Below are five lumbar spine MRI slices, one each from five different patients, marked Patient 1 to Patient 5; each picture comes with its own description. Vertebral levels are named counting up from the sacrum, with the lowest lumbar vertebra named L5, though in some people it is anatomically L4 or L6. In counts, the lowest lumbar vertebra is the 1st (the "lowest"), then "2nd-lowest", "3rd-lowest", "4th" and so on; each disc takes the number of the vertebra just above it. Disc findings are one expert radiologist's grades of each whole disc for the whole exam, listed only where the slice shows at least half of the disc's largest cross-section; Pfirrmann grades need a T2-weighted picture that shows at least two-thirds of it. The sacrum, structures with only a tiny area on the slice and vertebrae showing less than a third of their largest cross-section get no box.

Patient 1 of 5:
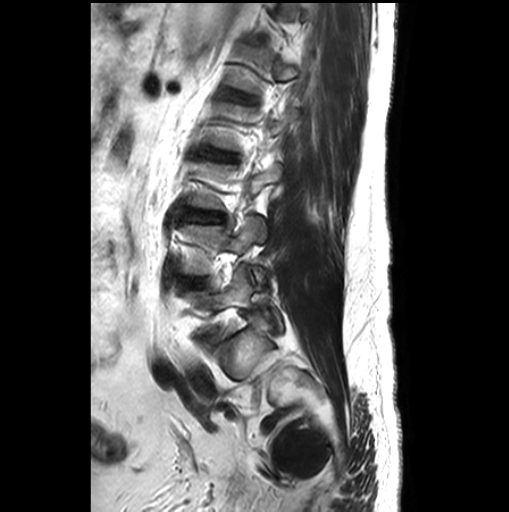 Lumbar spine MR, T2-weighted, sagittal.
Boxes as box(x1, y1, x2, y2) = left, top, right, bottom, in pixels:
2nd-lowest vertebra at box(181, 217, 265, 282); 5th disc at box(231, 91, 250, 100); 2nd-lowest disc at box(182, 278, 206, 287); lowest vertebra at box(185, 266, 281, 335); 3rd-lowest disc at box(188, 212, 219, 221).

Patient 2 of 5:
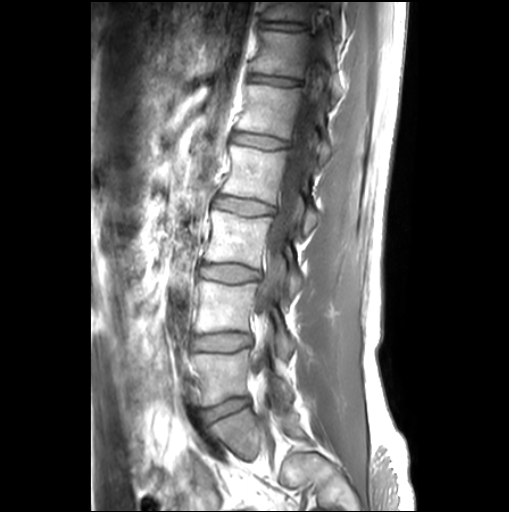 MRI lumbar spine (T1-weighted), sagittal plane | Slice spacing 3.3 mm
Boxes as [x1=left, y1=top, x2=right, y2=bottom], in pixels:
{"spinal canal": "[x1=252, y1=24, x2=328, y2=403]", "L1/L2": "[x1=234, y1=133, x2=288, y2=149]", "T12 vertebra": "[x1=251, y1=30, x2=342, y2=102]", "L3/L4": "[x1=201, y1=264, x2=258, y2=281]", "L4": "[x1=194, y1=279, x2=296, y2=362]", "intervertebral disc T11/T12": "[x1=259, y1=21, x2=307, y2=30]", "L5": "[x1=192, y1=349, x2=291, y2=405]", "intervertebral disc L2/L3": "[x1=217, y1=196, x2=272, y2=214]", "L2 vertebra": "[x1=222, y1=144, x2=319, y2=233]", "T11 vertebra": "[x1=264, y1=1, x2=340, y2=29]", "L3 vertebra": "[x1=205, y1=208, x2=303, y2=300]", "T12/L1": "[x1=249, y1=74, x2=301, y2=85]", "L1 vertebra": "[x1=237, y1=84, x2=331, y2=166]", "L5/S1": "[x1=201, y1=398, x2=248, y2=421]", "intervertebral disc L4/L5": "[x1=194, y1=333, x2=250, y2=348]"}

Expert MSK radiologist gradings (per disc):
- T11/T12: upper-endplate change, lower-endplate change
- L1/L2: Modic type II
- T12/L1: upper-endplate change, lower-endplate change
- L2/L3, L5/S1, L3/L4, L4/L5: no Modic or endplate change, herniation, narrowing, bulging or spondylolisthesis recorded

Patient 3 of 5:
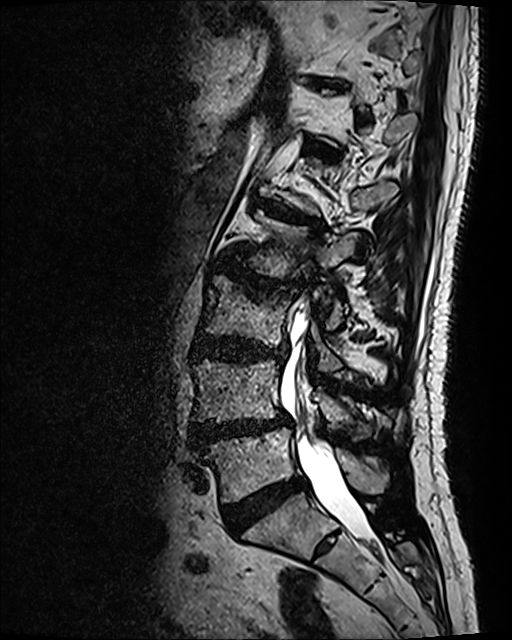
Lumbar spine MR, T2 SPACE (3D), sagittal
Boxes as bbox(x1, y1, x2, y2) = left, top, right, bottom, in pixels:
IVD T12/L1: bbox(308, 143, 337, 157)
IVD L4/L5: bbox(190, 412, 291, 448)
thecal sac / spinal canal: bbox(280, 314, 374, 543)
L2 vertebra: bbox(238, 209, 358, 328)
IVD L1/L2: bbox(256, 199, 324, 230)
L5/S1: bbox(223, 474, 307, 531)
L4 vertebra: bbox(192, 358, 374, 438)
IVD L2/L3: bbox(219, 261, 299, 290)
L3/L4: bbox(194, 335, 286, 362)
L3 vertebra: bbox(202, 276, 342, 372)
L5: bbox(203, 428, 388, 501)

Per-level radiological findings:
• L4/L5: Pfirrmann grade 4, disc herniation, lower-endplate change, disc bulging, Modic type II, upper-endplate change, disc narrowing, spondylolisthesis
• L2/L3: lower-endplate change, upper-endplate change, disc narrowing, disc bulging, Modic type I
• L5/S1: Pfirrmann grade 4
• L1/L2: Modic type II, lower-endplate change, upper-endplate change, disc bulging
• L3/L4: Pfirrmann grade 4, upper-endplate change, lower-endplate change, disc bulging

Patient 4 of 5:
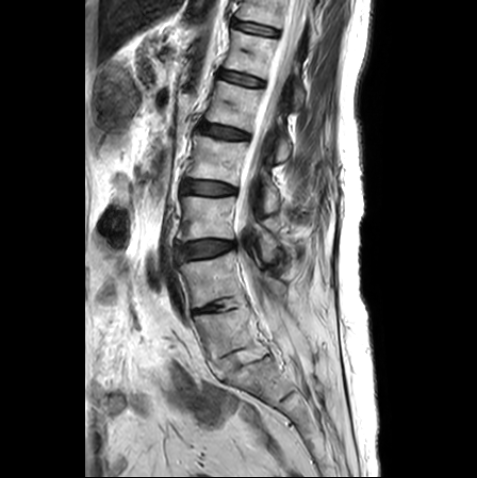 477x478 px, Patient sex: F, Sagittal T2-weighted lumbar spine MRI

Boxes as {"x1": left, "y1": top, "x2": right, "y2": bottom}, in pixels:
Lowest disc: {"x1": 209, "y1": 350, "x2": 246, "y2": 379}.
6th vertebra: {"x1": 225, "y1": 30, "x2": 304, "y2": 108}.
Lowest vertebra: {"x1": 194, "y1": 305, "x2": 268, "y2": 362}.
5th vertebra: {"x1": 205, "y1": 81, "x2": 291, "y2": 160}.
2nd-lowest disc: {"x1": 194, "y1": 303, "x2": 223, "y2": 313}.
7th vertebra: {"x1": 236, "y1": 0, "x2": 317, "y2": 47}.
3rd-lowest disc: {"x1": 175, "y1": 240, "x2": 234, "y2": 261}.
4th vertebra: {"x1": 186, "y1": 134, "x2": 279, "y2": 213}.
7th disc: {"x1": 233, "y1": 21, "x2": 277, "y2": 35}.
5th disc: {"x1": 198, "y1": 123, "x2": 247, "y2": 138}.
2nd-lowest vertebra: {"x1": 178, "y1": 251, "x2": 288, "y2": 307}.
4th disc: {"x1": 182, "y1": 179, "x2": 235, "y2": 194}.
3rd-lowest vertebra: {"x1": 178, "y1": 196, "x2": 282, "y2": 261}.
6th disc: {"x1": 220, "y1": 71, "x2": 263, "y2": 86}.
Spinal canal: {"x1": 235, "y1": 0, "x2": 307, "y2": 360}.

Per-level radiological findings:
- 4th disc: Pfirrmann grade 2, lower-endplate change, upper-endplate change, disc bulging
- 6th disc: Pfirrmann grade 1
- lowest disc: Pfirrmann grade 1
- 3rd-lowest disc: Pfirrmann grade 3, upper-endplate change, lower-endplate change, Modic type II, disc bulging
- 5th disc: Pfirrmann grade 2, lower-endplate change, upper-endplate change
- 7th disc: Pfirrmann grade 1
- 2nd-lowest disc: Pfirrmann grade 3, disc narrowing

Patient 5 of 5:
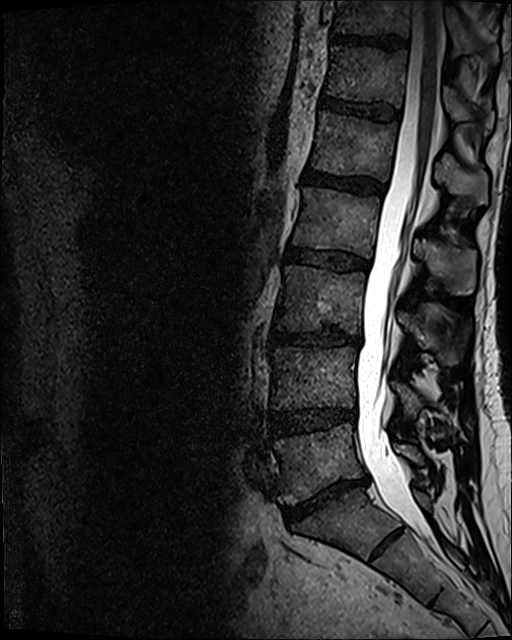 Sagittal T2 SPACE (3D) lumbar spine MRI
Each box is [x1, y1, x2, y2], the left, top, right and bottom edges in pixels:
6th disc = [321, 96, 399, 119].
2nd-lowest disc = [271, 407, 355, 433].
5th disc = [303, 169, 383, 194].
7th disc = [330, 33, 406, 49].
2nd-lowest vertebra = [271, 347, 422, 417].
Thecal sac / spinal canal = [356, 1, 442, 536].
4th disc = [287, 248, 368, 271].
Lowest vertebra = [274, 424, 423, 503].
3rd-lowest vertebra = [277, 265, 471, 365].
4th vertebra = [292, 187, 475, 294].
3rd-lowest disc = [273, 329, 361, 346].
Lowest disc = [283, 476, 367, 521].
6th vertebra = [325, 46, 494, 134].
5th vertebra = [311, 111, 487, 206].
7th vertebra = [333, 0, 483, 57].

Radiological gradings:
• 5th disc: Pfirrmann grade 4
• 2nd-lowest disc: Pfirrmann grade 3, disc bulging, disc narrowing
• 6th disc: Pfirrmann grade 3
• 3rd-lowest disc: Pfirrmann grade 4, lower-endplate change, disc bulging, disc narrowing
• 4th disc: Pfirrmann grade 3, disc bulging
• 7th disc: Pfirrmann grade 4
• lowest disc: Pfirrmann grade 5, disc bulging, Modic type II, disc narrowing